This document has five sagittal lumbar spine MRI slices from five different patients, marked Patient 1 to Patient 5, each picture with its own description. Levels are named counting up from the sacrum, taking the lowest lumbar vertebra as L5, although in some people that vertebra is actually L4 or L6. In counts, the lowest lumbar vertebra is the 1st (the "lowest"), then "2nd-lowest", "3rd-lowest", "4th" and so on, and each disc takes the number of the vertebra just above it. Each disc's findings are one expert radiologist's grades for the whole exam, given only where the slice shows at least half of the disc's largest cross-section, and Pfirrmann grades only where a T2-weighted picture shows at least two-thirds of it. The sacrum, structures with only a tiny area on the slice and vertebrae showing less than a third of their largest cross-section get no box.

Patient 1 of 5:
Image 512x512; Sagittal slice index 11; Sagittal T2-weighted lumbar spine MRI; Slice spacing 3.3 mm
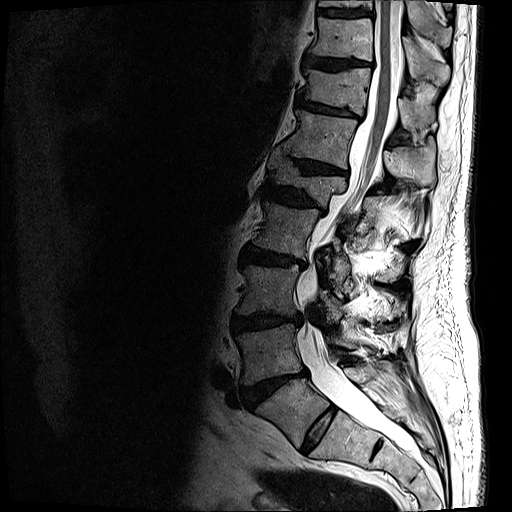

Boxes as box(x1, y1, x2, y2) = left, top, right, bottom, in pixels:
{"L4 vertebra": "box(235, 323, 357, 385)", "T9/T10": "box(317, 8, 371, 18)", "thecal sac / spinal canal": "box(296, 0, 413, 450)", "L1/L2": "box(262, 184, 325, 211)", "IVD L4/L5": "box(242, 369, 308, 408)", "L3/L4": "box(232, 313, 301, 331)", "IVD T10/T11": "box(304, 55, 371, 70)", "T9 vertebra": "box(319, 0, 452, 46)", "L1 vertebra": "box(268, 153, 422, 233)", "T11 vertebra": "box(299, 68, 437, 130)", "IVD T12/L1": "box(277, 144, 347, 174)", "L2": "box(252, 200, 406, 284)", "IVD T11/T12": "box(297, 97, 361, 118)", "T10": "box(309, 17, 450, 85)", "T12 vertebra": "box(284, 109, 435, 185)", "L2/L3": "box(240, 247, 307, 268)", "L3 vertebra": "box(236, 264, 395, 321)", "L5 vertebra": "box(255, 362, 404, 447)", "L5/S1": "box(301, 406, 336, 452)"}

Per-level radiological findings:
- L5/S1: Pfirrmann grade 2
- T12/L1: Pfirrmann grade 4, disc narrowing, lower-endplate change, disc bulging, upper-endplate change
- L4/L5: Pfirrmann grade 5, Modic type II, lower-endplate change, disc herniation, disc bulging, disc narrowing, upper-endplate change
- T11/T12: Pfirrmann grade 4, disc bulging, upper-endplate change, lower-endplate change, disc narrowing
- L1/L2: Pfirrmann grade 4, lower-endplate change, disc bulging, upper-endplate change, disc narrowing
- T9/T10: Pfirrmann grade 3, lower-endplate change
- L2/L3: Pfirrmann grade 4, disc bulging, lower-endplate change, upper-endplate change, Modic type II, disc narrowing
- L3/L4: Pfirrmann grade 4, upper-endplate change, disc narrowing, lower-endplate change, disc bulging
- T10/T11: Pfirrmann grade 4, upper-endplate change, lower-endplate change, disc bulging

Patient 2 of 5:
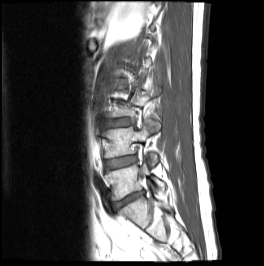 Slice spacing 4.7 mm. Lumbar spine MR, T1-weighted, sagittal. Slice 17 of 24. Image 264x266.

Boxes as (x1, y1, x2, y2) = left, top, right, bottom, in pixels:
Structures:
• L4/L5 (2nd-lowest disc) — (106, 156, 136, 168)
• L5/S1 (lowest disc) — (115, 192, 143, 208)
• L4 (2nd-lowest vertebra) — (103, 120, 159, 165)
• IVD L3/L4 (3rd-lowest disc) — (108, 118, 131, 126)
• L5 (lowest vertebra) — (106, 163, 165, 200)

Expert MSK radiologist gradings (per disc):
• L5/S1 (lowest disc): disc narrowing, Modic type II, disc herniation, disc bulging
• L4/L5 (2nd-lowest disc): disc bulging
• L3/L4 (3rd-lowest disc): disc bulging, upper-endplate change

Patient 3 of 5:
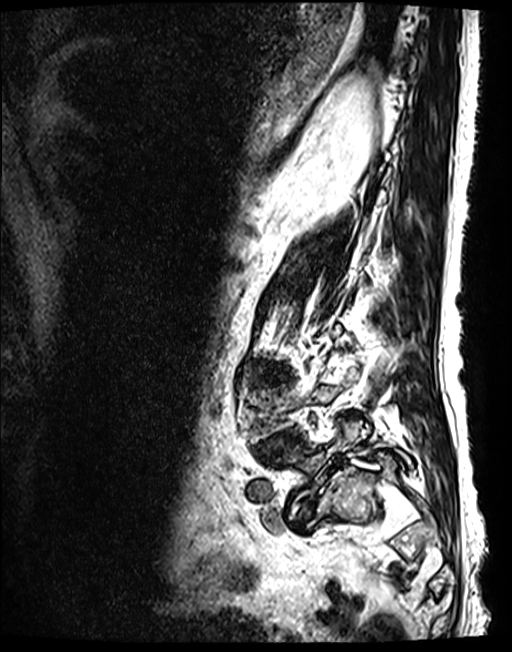 Slice 102/143 | Patient sex: M | MRI lumbar spine (T2 SPACE (3D)), sagittal plane
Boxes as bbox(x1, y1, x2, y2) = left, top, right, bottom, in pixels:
Lowest disc: bbox(293, 483, 325, 530).
2nd-lowest disc: bbox(260, 434, 294, 459).
Lowest vertebra: bbox(289, 421, 413, 518).
3rd-lowest disc: bbox(268, 369, 281, 380).

Patient 4 of 5:
Lumbar spine MR, T2 SPACE (3D), sagittal, Slice 90 of 120, Patient sex: F 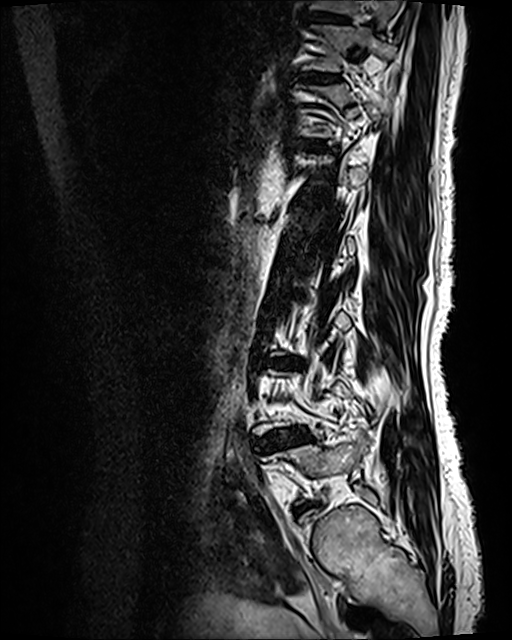

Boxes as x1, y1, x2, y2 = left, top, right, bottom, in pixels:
T12/L1: 312, 144, 323, 150 | L4/L5: 261, 430, 309, 449 | L3/L4: 273, 357, 297, 365 | L5: 275, 435, 366, 476 | T11 vertebra: 306, 25, 396, 71 | T10 vertebra: 307, 0, 398, 27 | intervertebral disc T10/T11: 309, 13, 346, 22 | intervertebral disc T11/T12: 305, 73, 336, 80

Per-level radiological findings:
- L4/L5: disc bulging, lower-endplate change, Modic type II, disc narrowing, upper-endplate change

Patient 5 of 5:
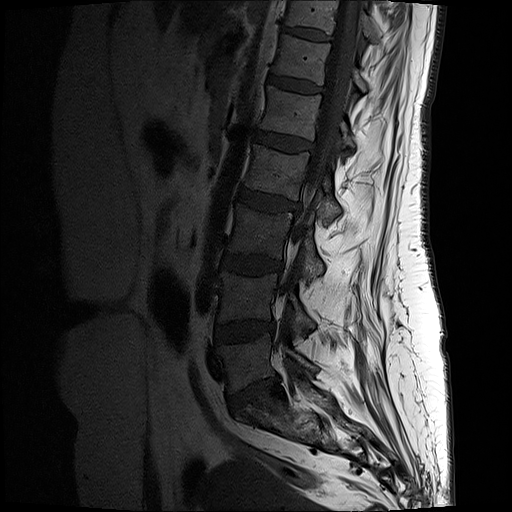 Sagittal T1-weighted lumbar spine MRI. Slice spacing 3.3 mm.

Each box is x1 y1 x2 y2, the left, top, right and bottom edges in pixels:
Annotations:
• T12/L1 = 270 75 323 92
• spinal canal = 282 0 359 297
• T11 = 286 0 375 41
• L5/S1 = 229 376 279 409
• L4/L5 = 216 321 275 341
• disc L2/L3 = 240 187 298 211
• T11/T12 = 282 25 332 41
• disc L1/L2 = 255 130 313 151
• L2 vertebra = 246 145 341 219
• L5 = 218 335 317 392
• disc L3/L4 = 222 254 281 274
• T12 = 274 34 367 90
• L3 vertebra = 229 204 324 276
• L1 = 259 86 355 147
• L4 = 219 272 315 331

Per-level radiological findings:
- L5/S1: disc herniation, disc narrowing, lower-endplate change, upper-endplate change
- L4/L5: disc bulging
- L2/L3: disc bulging
- L1/L2, T11/T12, L3/L4, T12/L1: no spondylolisthesis, narrowing, bulging, herniation, Modic or endplate change recorded